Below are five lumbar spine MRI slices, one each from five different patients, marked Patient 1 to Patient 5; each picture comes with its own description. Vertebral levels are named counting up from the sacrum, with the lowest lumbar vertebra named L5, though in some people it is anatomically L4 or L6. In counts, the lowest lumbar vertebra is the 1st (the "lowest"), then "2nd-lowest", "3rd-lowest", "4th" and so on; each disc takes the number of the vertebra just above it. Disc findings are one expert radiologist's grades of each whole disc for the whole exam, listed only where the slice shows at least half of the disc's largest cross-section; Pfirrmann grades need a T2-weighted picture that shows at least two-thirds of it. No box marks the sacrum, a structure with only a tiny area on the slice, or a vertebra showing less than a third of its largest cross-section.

Patient 1 of 5:
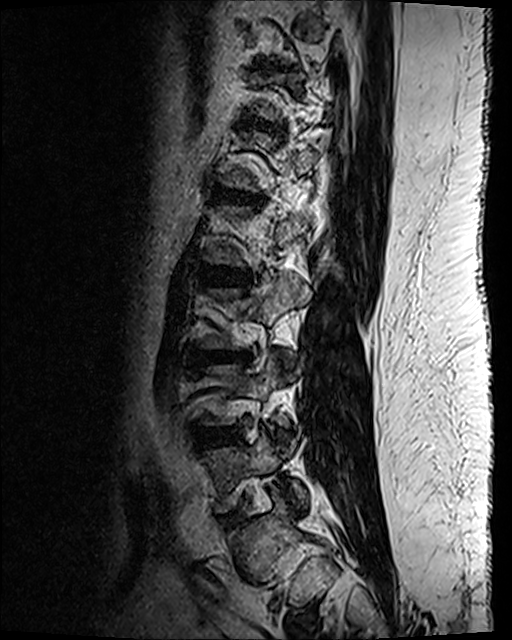 Lumbar spine MR, T2 SPACE (3D), sagittal, Field of view 240x300 mm, Image 512x640

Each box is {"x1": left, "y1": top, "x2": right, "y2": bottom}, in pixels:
Disc L5/S1: {"x1": 223, "y1": 515, "x2": 233, "y2": 521}.
L5 vertebra: {"x1": 209, "y1": 433, "x2": 307, "y2": 511}.
Disc L1/L2: {"x1": 209, "y1": 187, "x2": 258, "y2": 205}.
L3/L4: {"x1": 198, "y1": 353, "x2": 246, "y2": 365}.
L4/L5: {"x1": 195, "y1": 429, "x2": 236, "y2": 444}.
T12/L1: {"x1": 251, "y1": 120, "x2": 275, "y2": 130}.
Disc L2/L3: {"x1": 203, "y1": 270, "x2": 249, "y2": 286}.

Patient 2 of 5:
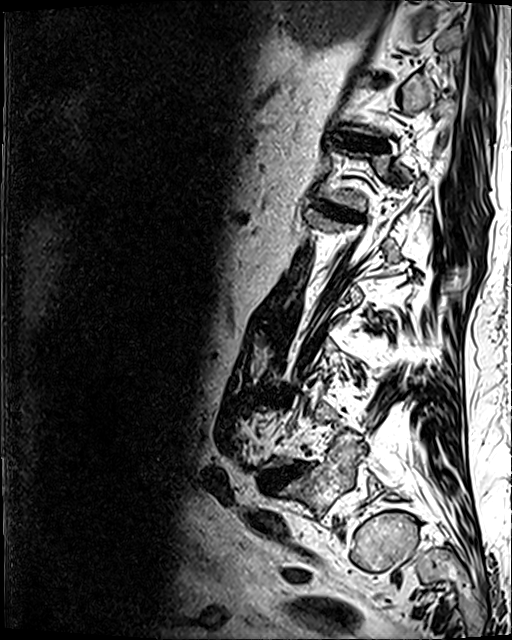 MRI lumbar spine (T2 SPACE (3D)), sagittal plane | Patient sex: M | Image 512x640 | Field of view 240x300 mm, slice spacing 0.9 mm

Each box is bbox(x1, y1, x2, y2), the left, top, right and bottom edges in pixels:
* T11/T12 — bbox(337, 135, 384, 148)
* L5 vertebra — bbox(278, 443, 361, 517)
* T12/L1 — bbox(320, 206, 355, 215)
* IVD L4/L5 — bbox(260, 464, 306, 491)

Radiological gradings:
• L4/L5: lower-endplate change, Modic type II, upper-endplate change, disc bulging, disc narrowing, disc herniation

Patient 3 of 5:
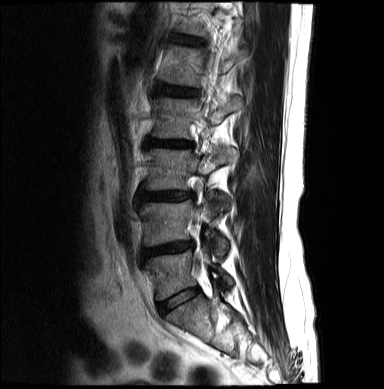 384x389 px; Sagittal slice index 12; Lumbar spine MR, T2-weighted, sagittal
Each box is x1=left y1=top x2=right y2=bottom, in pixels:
IVD L3/L4: x1=139 y1=191 x2=194 y2=202.
L5 vertebra: x1=145 y1=251 x2=232 y2=299.
L4/L5: x1=143 y1=242 x2=193 y2=258.
L2 vertebra: x1=152 y1=97 x2=242 y2=138.
IVD L5/S1: x1=158 y1=288 x2=199 y2=314.
L4 vertebra: x1=140 y1=201 x2=227 y2=255.
IVD L1/L2: x1=159 y1=85 x2=197 y2=96.
L3: x1=143 y1=147 x2=236 y2=209.
L2/L3: x1=145 y1=139 x2=192 y2=148.

Expert MSK radiologist gradings (per disc):
- L4/L5: Pfirrmann grade 4, lower-endplate change, disc narrowing, disc bulging
- L3/L4: Pfirrmann grade 4, disc bulging
- L1/L2: lower-endplate change, upper-endplate change
- L5/S1: Pfirrmann grade 3
- L2/L3: Pfirrmann grade 4, disc bulging, upper-endplate change, Modic type II, lower-endplate change, disc narrowing

Patient 4 of 5:
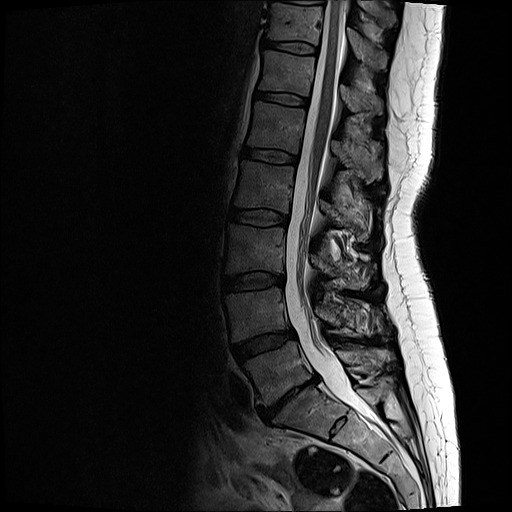 Lumbar spine MR, T2-weighted, sagittal; Image 512x512
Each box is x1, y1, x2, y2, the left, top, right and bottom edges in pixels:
L3/L4 (3rd-lowest disc): 221, 272, 282, 291.
L1/L2 (5th disc): 242, 147, 295, 163.
Intervertebral disc T11/T12 (7th disc): 265, 41, 314, 52.
Thecal sac / spinal canal: 283, 1, 374, 419.
L1 (5th vertebra): 247, 102, 381, 181.
Intervertebral disc L5/S1 (lowest disc): 256, 376, 316, 421.
L4 (2nd-lowest vertebra): 224, 286, 380, 340.
Intervertebral disc T12/L1 (6th disc): 255, 91, 306, 105.
Intervertebral disc L4/L5 (2nd-lowest disc): 232, 330, 292, 361.
L2/L3 (4th disc): 227, 208, 286, 224.
T12 (6th vertebra): 259, 50, 382, 114.
L2 (4th vertebra): 233, 161, 372, 241.
L3 (3rd-lowest vertebra): 224, 225, 371, 289.
T11 (7th vertebra): 268, 2, 383, 67.
L5 (lowest vertebra): 243, 342, 391, 405.

Degenerative findings by level:
• L1/L2 (5th disc): Pfirrmann grade 2
• L3/L4 (3rd-lowest disc): Pfirrmann grade 2, disc bulging
• L4/L5 (2nd-lowest disc): Pfirrmann grade 3, disc bulging
• L5/S1 (lowest disc): Pfirrmann grade 5, disc bulging, disc narrowing, upper-endplate change, disc herniation, lower-endplate change, Modic type III
• T12/L1 (6th disc): Pfirrmann grade 2
• L2/L3 (4th disc): Pfirrmann grade 2
• T11/T12 (7th disc): Pfirrmann grade 2

Patient 5 of 5:
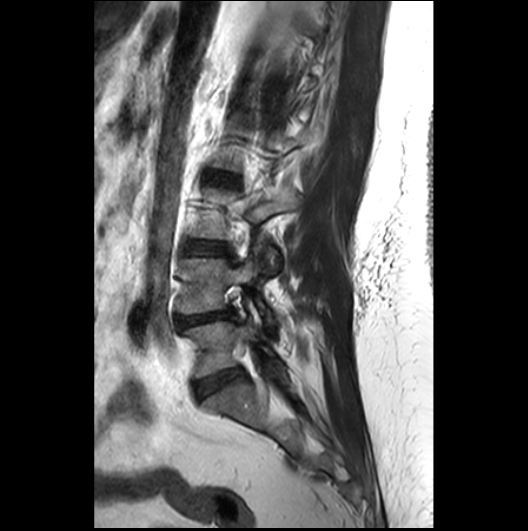 Lumbar spine MR, T2-weighted, sagittal. Sex F. 528x531 px.

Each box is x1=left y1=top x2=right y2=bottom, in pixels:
L4 vertebra: x1=177 y1=248 x2=276 y2=335 | L3 vertebra: x1=192 y1=187 x2=297 y2=275 | L5 vertebra: x1=184 y1=316 x2=284 y2=378 | intervertebral disc L3/L4: x1=186 y1=241 x2=227 y2=254 | intervertebral disc L5/S1: x1=194 y1=368 x2=243 y2=399 | intervertebral disc L4/L5: x1=177 y1=311 x2=233 y2=327

Radiological gradings:
• L4/L5: disc herniation, disc narrowing
• L3/L4, L5/S1: no herniation, bulging, narrowing, spondylolisthesis, endplate or Modic change recorded